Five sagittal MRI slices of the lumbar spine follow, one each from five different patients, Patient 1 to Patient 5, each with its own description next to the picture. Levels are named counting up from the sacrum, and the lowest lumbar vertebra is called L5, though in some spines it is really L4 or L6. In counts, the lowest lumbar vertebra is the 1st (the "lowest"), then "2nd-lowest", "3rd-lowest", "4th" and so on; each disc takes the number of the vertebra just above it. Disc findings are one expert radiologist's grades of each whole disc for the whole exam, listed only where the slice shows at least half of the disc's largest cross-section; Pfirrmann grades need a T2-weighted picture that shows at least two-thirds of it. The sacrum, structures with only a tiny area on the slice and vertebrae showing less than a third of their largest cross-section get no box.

Patient 1 of 5:
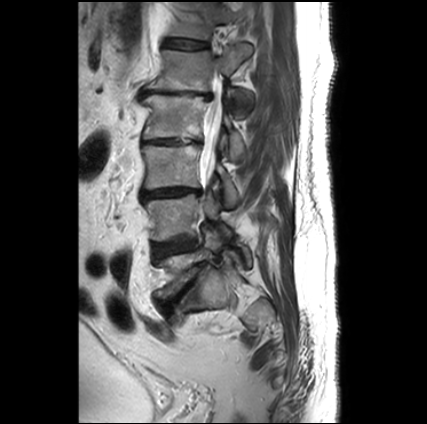

Sex M | T2-weighted sagittal MRI of the lumbar spine

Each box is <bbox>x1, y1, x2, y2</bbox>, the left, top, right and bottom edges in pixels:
Disc L3/L4: <bbox>142, 188, 202, 199</bbox>.
L3 vertebra: <bbox>142, 144, 237, 205</bbox>.
L4: <bbox>143, 192, 228, 241</bbox>.
L2/L3: <bbox>142, 138, 198, 144</bbox>.
L2 vertebra: <bbox>141, 94, 244, 155</bbox>.
L5: <bbox>156, 230, 251, 298</bbox>.
T12 vertebra: <bbox>171, 2, 251, 39</bbox>.
Disc L1/L2: <bbox>141, 88, 212, 100</bbox>.
L5/S1: <bbox>165, 262, 207, 311</bbox>.
Spinal canal: <bbox>199, 72, 221, 180</bbox>.
Disc L4/L5: <bbox>153, 240, 194, 257</bbox>.
T12/L1: <bbox>165, 39, 206, 48</bbox>.
L1: <bbox>147, 43, 252, 103</bbox>.

Expert MSK radiologist gradings (per disc):
- L4/L5: Modic type II
- L1/L2: Pfirrmann grade 5, disc narrowing, disc herniation, Modic type II, lower-endplate change, upper-endplate change, disc bulging
- L2/L3: lower-endplate change, upper-endplate change, disc narrowing, disc bulging, Modic type II
- L3/L4: Pfirrmann grade 5, lower-endplate change, upper-endplate change, disc narrowing, Modic type II, disc bulging
- T12/L1: Pfirrmann grade 2
- L5/S1: Modic type II, disc narrowing, disc bulging, upper-endplate change, spondylolisthesis, lower-endplate change

Patient 2 of 5:
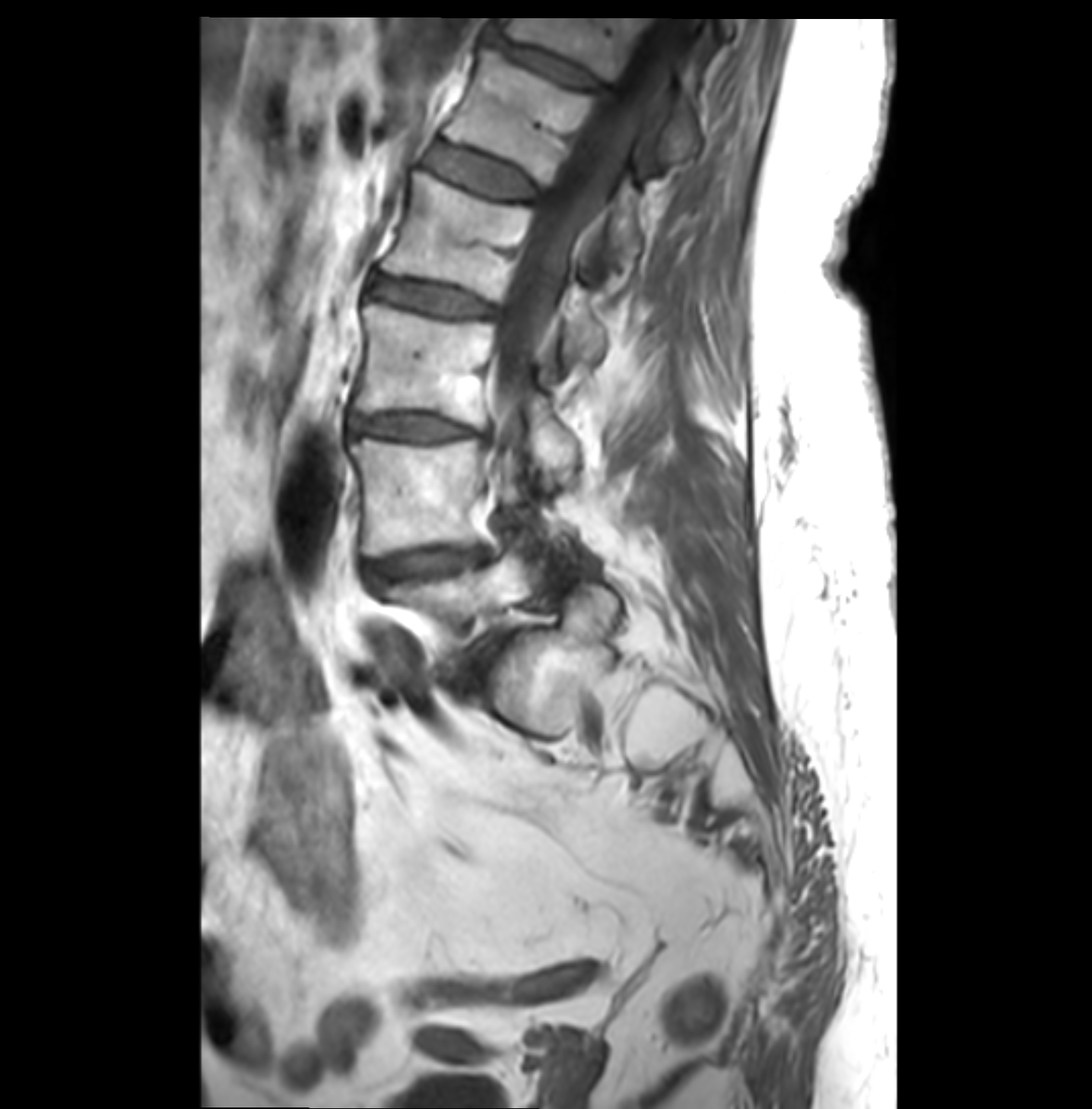 Sagittal T1-weighted lumbar spine MRI; Image 1092x1109
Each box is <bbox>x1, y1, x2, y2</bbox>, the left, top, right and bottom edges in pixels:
L4/L5: <bbox>366, 549, 481, 587</bbox>
L1/L2: <bbox>427, 142, 540, 200</bbox>
T12/L1: <bbox>488, 36, 605, 94</bbox>
L3: <bbox>354, 303, 577, 493</bbox>
L5 vertebra: <bbox>385, 547, 542, 661</bbox>
intervertebral disc L3/L4: <bbox>350, 413, 487, 440</bbox>
intervertebral disc L2/L3: <bbox>370, 277, 496, 315</bbox>
L1 vertebra: <bbox>443, 49, 654, 258</bbox>
L5/S1: <bbox>449, 637, 506, 691</bbox>
L2: <bbox>380, 170, 605, 369</bbox>
L4 vertebra: <bbox>350, 439, 575, 557</bbox>
spinal canal: <bbox>497, 31, 678, 418</bbox>
T12 vertebra: <bbox>497, 17, 701, 160</bbox>

Radiological gradings:
- L4/L5: disc narrowing, Modic type II, disc bulging
- T12/L1: disc bulging
- L2/L3: Modic type II, disc bulging
- L3/L4: Modic type II, disc narrowing, disc bulging
- L1/L2: Modic type II

Patient 3 of 5:
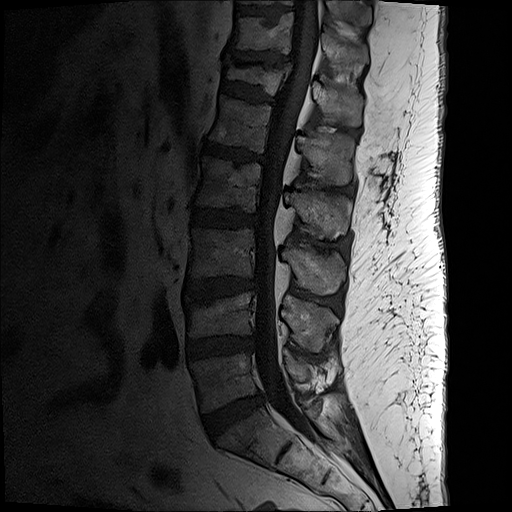
Image 512x512; Patient sex: M; Slice 10 of 19; T1-weighted sagittal MRI of the lumbar spine

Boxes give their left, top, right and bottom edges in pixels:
L3 at left=188, top=228, right=343, bottom=294; T12 vertebra at left=226, top=67, right=362, bottom=126; spinal canal at left=254, top=1, right=320, bottom=434; L1 vertebra at left=209, top=97, right=353, bottom=185; L5 at left=192, top=349, right=311, bottom=412; T11 at left=230, top=13, right=367, bottom=72; IVD T11/T12 at left=233, top=53, right=290, bottom=66; IVD L5/S1 at left=203, top=393, right=263, bottom=437; IVD L1/L2 at left=204, top=144, right=264, bottom=165; IVD T12/L1 at left=221, top=81, right=273, bottom=103; L4 at left=182, top=293, right=336, bottom=352; T10/T11 at left=239, top=9, right=290, bottom=18; L2 vertebra at left=195, top=158, right=347, bottom=240; IVD L3/L4 at left=186, top=279, right=257, bottom=300; IVD L4/L5 at left=188, top=338, right=253, bottom=357; IVD L2/L3 at left=193, top=208, right=257, bottom=227.

Per-level radiological findings:
  L3/L4: lower-endplate change, upper-endplate change, Modic type II, disc bulging
  T12/L1: disc bulging, lower-endplate change, spondylolisthesis, upper-endplate change
  L2/L3: lower-endplate change, disc bulging
  L1/L2: Modic type II, disc narrowing, disc bulging, upper-endplate change, lower-endplate change
  L5/S1: disc bulging
  L4/L5: disc bulging, disc narrowing
  T11/T12: disc narrowing, lower-endplate change, upper-endplate change, disc bulging

Patient 4 of 5:
Slice 48 of 120, MRI lumbar spine (T2 SPACE (3D)), sagittal plane, Image 512x640
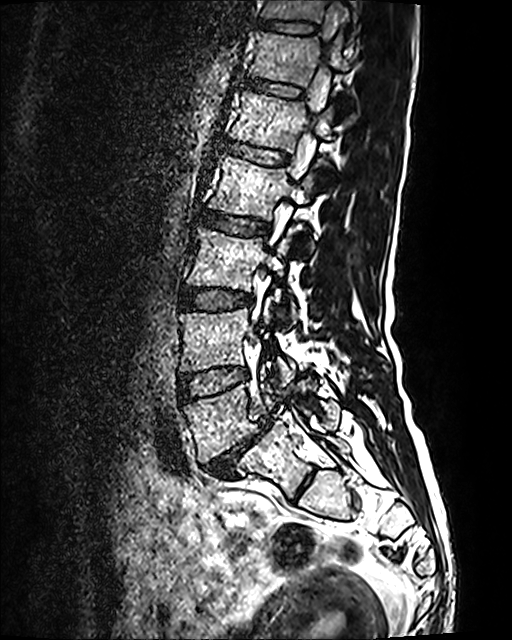 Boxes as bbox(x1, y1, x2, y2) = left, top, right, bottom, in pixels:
L5/S1: bbox(204, 417, 270, 477)
IVD L1/L2: bbox(221, 141, 287, 164)
L5: bbox(183, 373, 340, 462)
thecal sac / spinal canal: bbox(288, 0, 341, 214)
IVD L4/L5: bbox(178, 367, 247, 401)
L3: bbox(187, 227, 296, 322)
IVD T11/T12: bbox(259, 20, 316, 33)
L3/L4: bbox(180, 288, 251, 309)
L4 vertebra: bbox(179, 298, 295, 386)
IVD L2/L3: bbox(198, 210, 268, 234)
T12: bbox(250, 31, 349, 86)
T11 vertebra: bbox(261, 0, 357, 37)
L2: bbox(209, 155, 318, 250)
IVD T12/L1: bbox(246, 79, 301, 97)
L1 vertebra: bbox(230, 91, 333, 176)

Radiological gradings:
- L1/L2: Pfirrmann grade 2
- L2/L3: Pfirrmann grade 2
- L3/L4: Pfirrmann grade 2
- L4/L5: Pfirrmann grade 2
- T12/L1: Pfirrmann grade 2
- L5/S1: Pfirrmann grade 5, disc bulging, disc narrowing, spondylolisthesis, Modic type II
- T11/T12: Pfirrmann grade 2

Patient 5 of 5:
T1-weighted sagittal MRI of the lumbar spine.

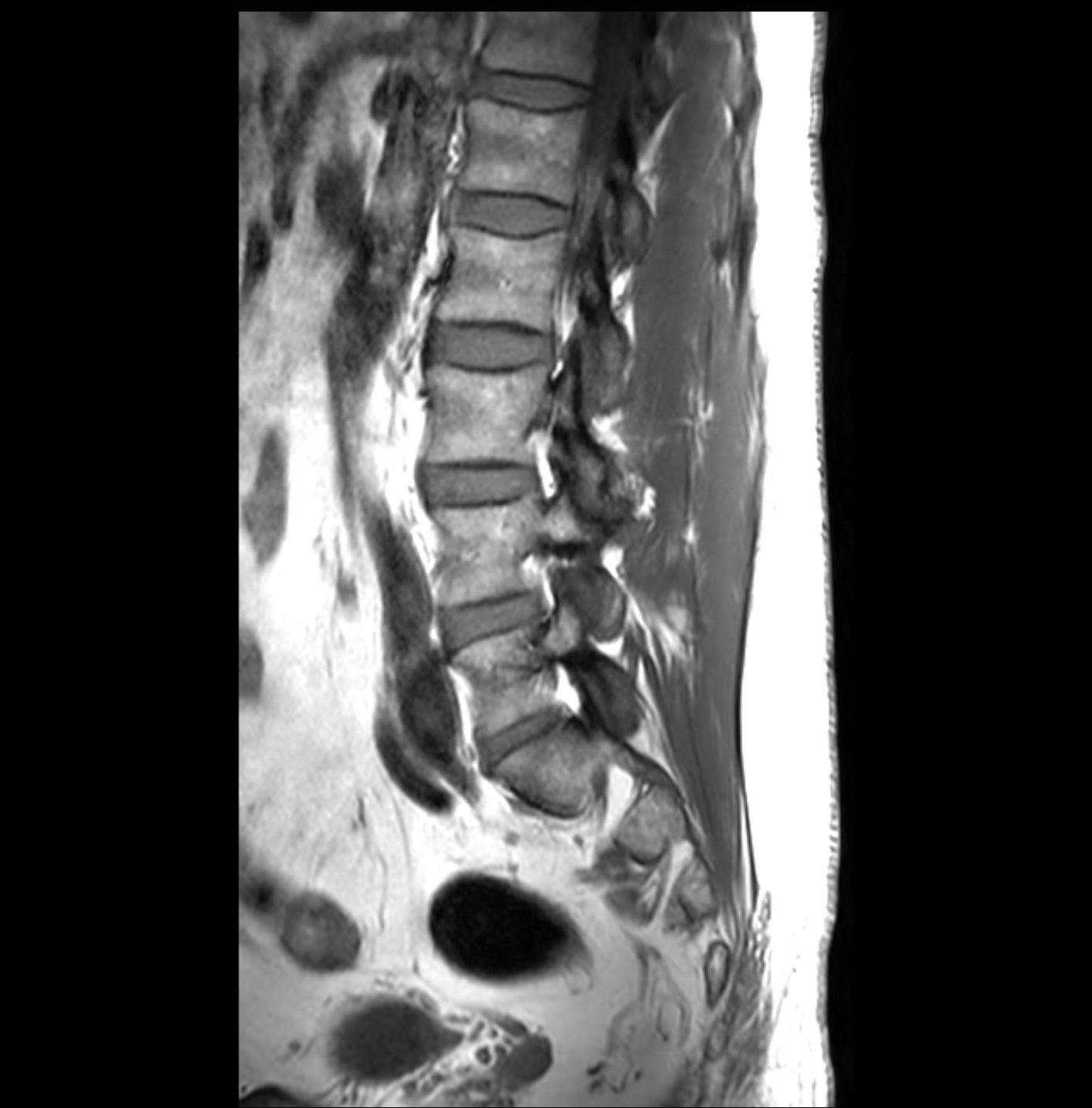
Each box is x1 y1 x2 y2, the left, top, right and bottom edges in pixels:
L5: 456 600 634 737.
L3/L4: 426 469 533 500.
L1: 459 98 644 251.
T12/L1: 476 72 588 106.
L4 vertebra: 432 491 622 626.
Intervertebral disc L2/L3: 432 328 548 364.
L3 vertebra: 428 364 603 500.
Spinal canal: 570 12 640 296.
L4/L5: 445 596 538 642.
L5/S1: 483 714 552 764.
L2 vertebra: 436 223 622 405.
L1/L2: 454 195 567 231.
T12 vertebra: 483 12 673 106.

Degenerative findings by level:
- L4/L5: disc herniation
- L3/L4, T12/L1, L2/L3, L1/L2: no spondylolisthesis, narrowing, bulging, herniation, Modic or endplate change recorded